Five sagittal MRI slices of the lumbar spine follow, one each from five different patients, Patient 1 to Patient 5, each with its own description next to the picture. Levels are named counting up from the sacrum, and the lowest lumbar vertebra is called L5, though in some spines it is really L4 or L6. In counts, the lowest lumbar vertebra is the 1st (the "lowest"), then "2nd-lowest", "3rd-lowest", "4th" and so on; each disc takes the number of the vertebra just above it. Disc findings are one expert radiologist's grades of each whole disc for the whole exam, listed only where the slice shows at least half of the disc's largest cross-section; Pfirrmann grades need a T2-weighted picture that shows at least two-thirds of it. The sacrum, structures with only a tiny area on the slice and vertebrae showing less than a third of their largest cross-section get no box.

Patient 1 of 5:
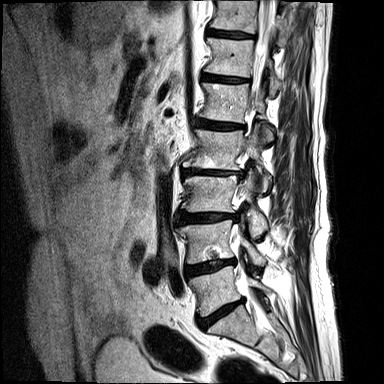 T2-weighted sagittal MRI of the lumbar spine | Image 384x384
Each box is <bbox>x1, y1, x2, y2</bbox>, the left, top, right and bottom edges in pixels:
IVD L2/L3: <bbox>182, 169, 242, 176</bbox>
L5: <bbox>188, 266, 269, 317</bbox>
L1 vertebra: <bbox>199, 83, 274, 146</bbox>
IVD L4/L5: <bbox>185, 259, 233, 277</bbox>
T11 vertebra: <bbox>209, 0, 288, 45</bbox>
L2 vertebra: <bbox>183, 124, 268, 191</bbox>
L3: <bbox>181, 171, 267, 237</bbox>
IVD L5/S1: <bbox>198, 299, 242, 329</bbox>
L1/L2: <bbox>194, 118, 242, 129</bbox>
L4 vertebra: <bbox>177, 220, 265, 266</bbox>
L3/L4: <bbox>177, 213, 237, 225</bbox>
T12 vertebra: <bbox>205, 38, 280, 96</bbox>
IVD T11/T12: <bbox>207, 29, 252, 38</bbox>
IVD T12/L1: <bbox>203, 74, 245, 82</bbox>
thecal sac / spinal canal: <bbox>236, 0, 274, 240</bbox>

Per-level radiological findings:
  L2/L3: Pfirrmann grade 4, disc herniation, disc narrowing, Modic type II, lower-endplate change
  L5/S1: Pfirrmann grade 4, disc bulging, Modic type II, disc narrowing
  L4/L5: Pfirrmann grade 4, lower-endplate change, disc bulging, Modic type II, disc narrowing
  T11/T12: Pfirrmann grade 4, disc narrowing, Modic type II, lower-endplate change, upper-endplate change
  L1/L2: Pfirrmann grade 4, lower-endplate change, Modic type II, disc bulging, disc narrowing
  L3/L4: Pfirrmann grade 4, disc herniation, Modic type II, lower-endplate change, disc narrowing, upper-endplate change
  T12/L1: Pfirrmann grade 4, disc narrowing, Modic type II

Patient 2 of 5:
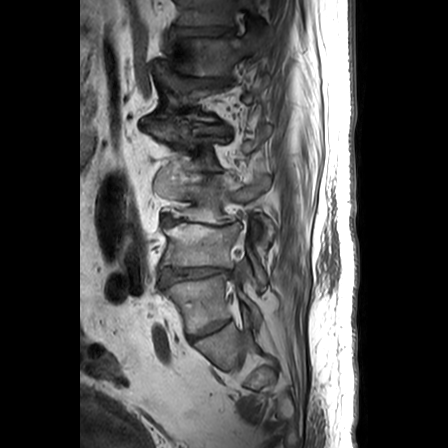 Sagittal T1-weighted lumbar spine MRI | Sex M | Sagittal slice index 8

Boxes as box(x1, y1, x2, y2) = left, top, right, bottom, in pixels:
Structures:
- 7th vertebra = box(176, 0, 263, 27)
- 3rd-lowest disc = box(162, 215, 239, 226)
- 7th disc = box(169, 27, 230, 37)
- 6th vertebra = box(158, 30, 262, 75)
- 3rd-lowest vertebra = box(172, 175, 272, 251)
- 2nd-lowest vertebra = box(161, 222, 267, 285)
- 5th disc = box(151, 120, 228, 133)
- lowest vertebra = box(163, 274, 261, 332)
- lowest disc = box(190, 319, 227, 338)
- 4th disc = box(192, 173, 219, 181)
- 2nd-lowest disc = box(160, 268, 230, 286)
- 4th vertebra = box(152, 126, 270, 170)
- 6th disc = box(163, 72, 222, 88)

Per-level radiological findings:
  6th disc: disc herniation, disc narrowing, disc bulging
  7th disc: disc bulging, disc narrowing, upper-endplate change
  lowest disc: disc narrowing
  3rd-lowest disc: Modic type II, disc bulging, disc herniation, disc narrowing
  5th disc: disc bulging, disc narrowing
  2nd-lowest disc: disc narrowing, Modic type II, disc herniation, disc bulging

Patient 3 of 5:
Sagittal T1-weighted lumbar spine MRI. Image 676x672. Scanner: Philips Medical Systems Ingenia (1.5T). Patient sex: F.

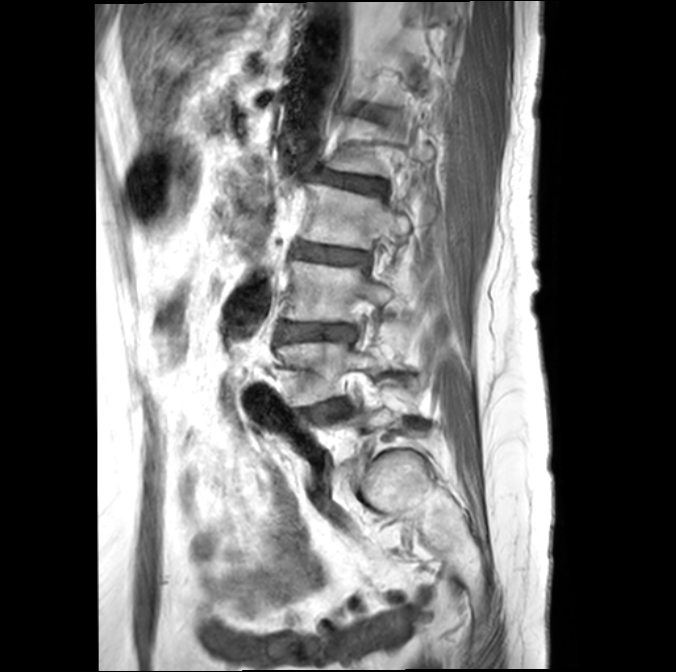

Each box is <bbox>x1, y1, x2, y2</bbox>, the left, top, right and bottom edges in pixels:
L1 vertebra at <bbox>325, 117, 433, 176</bbox>.
L3 vertebra at <bbox>283, 259, 396, 320</bbox>.
IVD L3/L4 at <bbox>276, 322, 356, 340</bbox>.
L2/L3 at <bbox>293, 244, 369, 265</bbox>.
L2 vertebra at <bbox>301, 182, 410, 248</bbox>.
L4 at <bbox>276, 341, 390, 405</bbox>.
IVD T12/L1 at <bbox>359, 108, 374, 113</bbox>.
IVD L1/L2 at <bbox>313, 170, 386, 192</bbox>.
IVD L4/L5 at <bbox>307, 400, 343, 414</bbox>.

Per-level radiological findings:
- L3/L4: Modic type II, lower-endplate change, disc bulging, upper-endplate change
- L2/L3: upper-endplate change, Modic type II
- L1/L2: Modic type II, lower-endplate change

Patient 4 of 5:
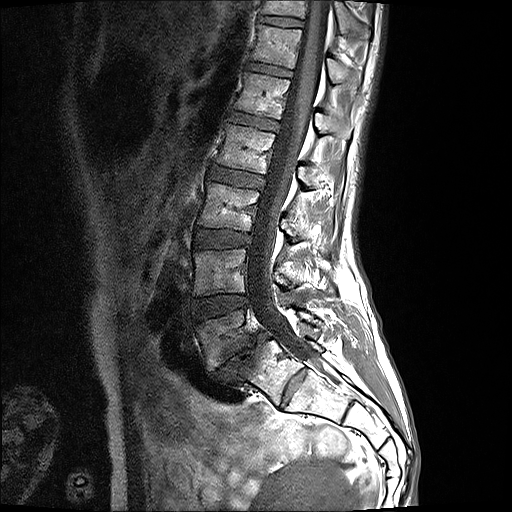
Image 512x512, MRI lumbar spine (T1-weighted), sagittal plane
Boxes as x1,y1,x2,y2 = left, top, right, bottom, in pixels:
• IVD L5/S1: 209,332,269,382
• L4/L5: 192,295,247,320
• L3/L4: 194,229,250,247
• L4: 193,248,289,295
• T11/T12: 259,16,303,26
• L1: 234,72,351,138
• thecal sac / spinal canal: 247,0,330,368
• IVD T12/L1: 246,62,292,77
• L5 vertebra: 195,310,323,370
• T12: 251,23,358,86
• L2/L3: 209,166,265,189
• L3 vertebra: 198,182,309,241
• T11: 261,0,369,38
• L2: 217,123,323,186
• L1/L2: 229,112,278,130

Expert MSK radiologist gradings (per disc):
- L5/S1: disc narrowing, disc bulging, spondylolisthesis, Modic type II
- L2/L3, L3/L4, L4/L5, T11/T12, L1/L2, T12/L1: no spondylolisthesis, narrowing, bulging, herniation, Modic or endplate change recorded

Patient 5 of 5:
T2 SPACE (3D) sagittal MRI of the lumbar spine 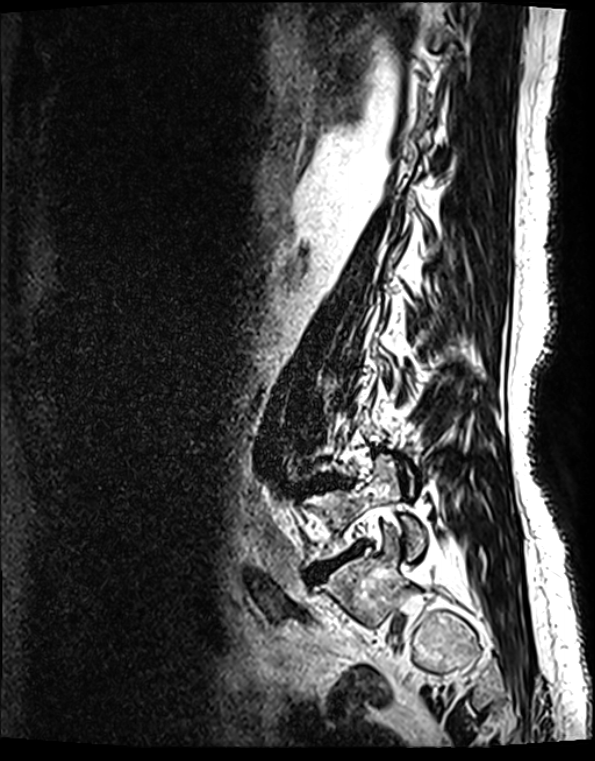
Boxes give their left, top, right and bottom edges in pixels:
L5 (lowest vertebra): left=301, top=455, right=424, bottom=560.
Intervertebral disc L4/L5 (2nd-lowest disc): left=319, top=474, right=338, bottom=486.
L5/S1 (lowest disc): left=308, top=543, right=365, bottom=581.